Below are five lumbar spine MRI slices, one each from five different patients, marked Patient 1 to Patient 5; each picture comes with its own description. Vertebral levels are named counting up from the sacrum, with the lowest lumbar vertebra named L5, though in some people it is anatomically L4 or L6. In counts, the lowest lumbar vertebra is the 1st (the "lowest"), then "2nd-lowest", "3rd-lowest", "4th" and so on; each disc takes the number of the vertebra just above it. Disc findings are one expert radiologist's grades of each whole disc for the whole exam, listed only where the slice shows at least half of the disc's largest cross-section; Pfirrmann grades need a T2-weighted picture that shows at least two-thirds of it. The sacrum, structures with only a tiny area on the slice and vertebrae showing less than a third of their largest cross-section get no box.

Patient 1 of 5:
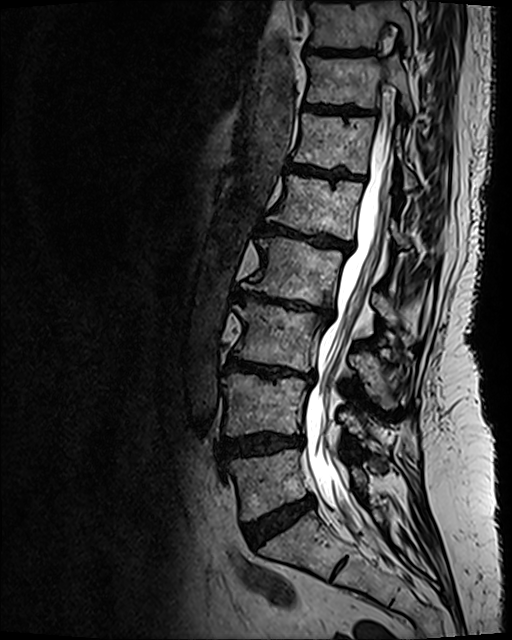 T2 SPACE (3D) sagittal MRI of the lumbar spine; Slice spacing 0.9 mm; Sagittal slice index 61
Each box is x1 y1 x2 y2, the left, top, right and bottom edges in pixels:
4th disc: 236 291 332 316 | 2nd-lowest vertebra: 222 373 381 447 | 3rd-lowest disc: 225 357 314 381 | 7th vertebra: 306 55 412 113 | lowest vertebra: 227 449 366 520 | 7th disc: 305 106 355 114 | 6th vertebra: 293 113 416 188 | 4th vertebra: 248 237 407 342 | 8th vertebra: 310 0 410 50 | lowest disc: 243 496 314 547 | 2nd-lowest disc: 221 433 303 459 | 5th disc: 258 223 352 251 | thecal sac / spinal canal: 305 87 396 548 | 8th disc: 306 48 369 55 | 3rd-lowest vertebra: 234 302 396 408 | 6th disc: 288 163 354 178 | 5th vertebra: 267 175 410 247

Degenerative findings by level:
• 7th disc: Pfirrmann grade 4, upper-endplate change, lower-endplate change
• lowest disc: Pfirrmann grade 4, disc bulging
• 6th disc: Pfirrmann grade 4, upper-endplate change, Modic type II, lower-endplate change
• 2nd-lowest disc: Pfirrmann grade 4, disc bulging, lower-endplate change, upper-endplate change
• 3rd-lowest disc: Pfirrmann grade 5, lower-endplate change, upper-endplate change, disc bulging, disc narrowing, Modic type II
• 5th disc: Pfirrmann grade 5, disc narrowing, disc bulging, Modic type II, upper-endplate change, lower-endplate change
• 8th disc: Pfirrmann grade 4, lower-endplate change, upper-endplate change
• 4th disc: upper-endplate change, lower-endplate change, disc narrowing, disc bulging, Modic type II

Patient 2 of 5:
Lumbar spine MR, T2 SPACE (3D), sagittal; Sex F; Sagittal slice index 58

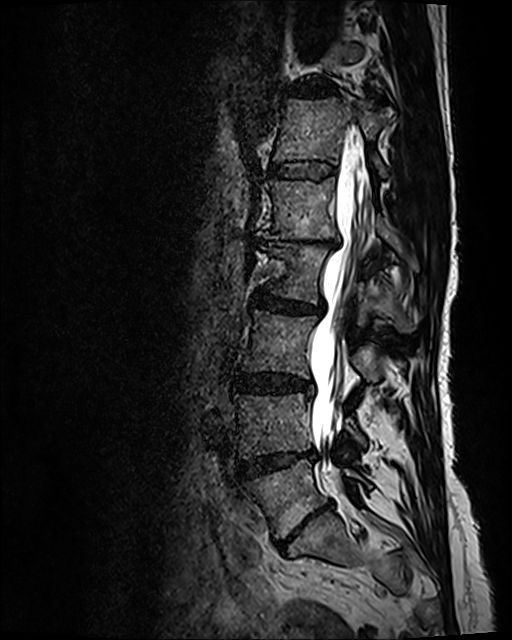 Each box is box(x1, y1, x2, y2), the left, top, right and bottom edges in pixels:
{"5th vertebra": "box(257, 177, 420, 270)", "lowest disc": "box(278, 506, 326, 548)", "2nd-lowest vertebra": "box(234, 393, 366, 459)", "3rd-lowest vertebra": "box(242, 310, 378, 382)", "7th disc": "box(284, 81, 338, 97)", "3rd-lowest disc": "box(234, 374, 312, 394)", "5th disc": "box(260, 236, 339, 248)", "6th disc": "box(268, 160, 335, 179)", "2nd-lowest disc": "box(237, 452, 314, 477)", "4th disc": "box(254, 290, 322, 313)", "6th vertebra": "box(274, 97, 393, 177)", "lowest vertebra": "box(241, 458, 371, 538)", "4th vertebra": "box(262, 246, 415, 332)", "spinal canal": "box(308, 130, 368, 473)"}

Degenerative findings by level:
  7th disc: disc narrowing, disc bulging
  4th disc: disc narrowing, disc bulging
  3rd-lowest disc: Pfirrmann grade 3, disc bulging
  2nd-lowest disc: Pfirrmann grade 4, disc narrowing, disc bulging, Modic type II
  6th disc: Pfirrmann grade 2
  5th disc: Pfirrmann grade 5, disc narrowing, Modic type II, upper-endplate change, disc bulging, lower-endplate change

Patient 3 of 5:
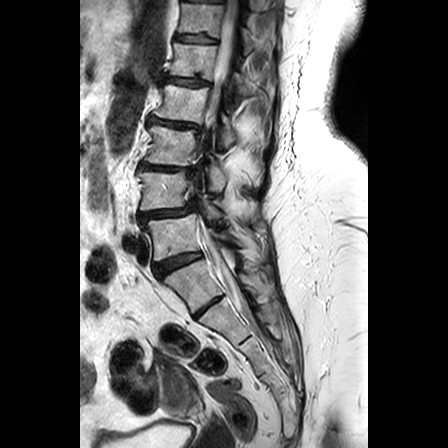

Patient sex: F | Lumbar spine MR, T2-weighted, sagittal

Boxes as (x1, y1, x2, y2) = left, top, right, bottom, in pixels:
T12/L1 at (174, 33, 219, 43).
L1 vertebra at (169, 42, 274, 95).
T12 at (178, 3, 275, 53).
L3 at (145, 124, 227, 191).
L1/L2 at (163, 75, 209, 84).
L2 vertebra at (153, 84, 268, 146).
L5 at (146, 213, 258, 261).
IVD L5/S1 at (152, 251, 201, 278).
IVD L2/L3 at (149, 116, 200, 129).
Spinal canal at (195, 0, 245, 309).
IVD L3/L4 at (140, 162, 190, 172).
L4/L5 at (139, 206, 192, 221).
L4 vertebra at (138, 170, 221, 217).

Radiological gradings:
- L1/L2: Pfirrmann grade 3, lower-endplate change, Modic type II, upper-endplate change, disc bulging, disc narrowing
- L3/L4: Modic type II, upper-endplate change, disc bulging, disc narrowing, lower-endplate change
- L4/L5: Pfirrmann grade 4, spondylolisthesis, disc narrowing, disc bulging
- T12/L1: Pfirrmann grade 3, upper-endplate change, Modic type II, lower-endplate change
- L2/L3: Pfirrmann grade 3, disc bulging, lower-endplate change, upper-endplate change, Modic type II, disc narrowing
- L5/S1: Pfirrmann grade 4, disc bulging

Patient 4 of 5:
MRI lumbar spine (T2 SPACE (3D)), sagittal plane | 512x640 px | Slice 100 of 120 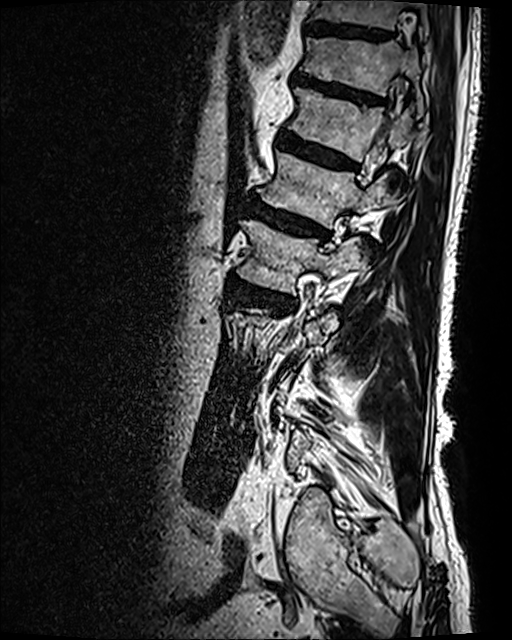
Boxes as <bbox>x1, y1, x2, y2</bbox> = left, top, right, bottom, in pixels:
Structures:
- T11 vertebra = <bbox>302, 38, 422, 111</bbox>
- T12/L1 = <bbox>277, 131, 358, 170</bbox>
- T10 = <bbox>309, 0, 429, 40</bbox>
- intervertebral disc L1/L2 = <bbox>250, 198, 329, 238</bbox>
- T12 = <bbox>288, 88, 425, 160</bbox>
- L1 = <bbox>257, 152, 391, 228</bbox>
- intervertebral disc T11/T12 = <bbox>293, 70, 383, 102</bbox>
- L2 vertebra = <bbox>237, 220, 364, 295</bbox>
- intervertebral disc T10/T11 = <bbox>306, 22, 392, 41</bbox>
- intervertebral disc L2/L3 = <bbox>228, 275, 294, 311</bbox>

Per-level radiological findings:
  L2/L3: Pfirrmann grade 4, disc bulging, disc narrowing, Modic type I, upper-endplate change, lower-endplate change
  T12/L1: Pfirrmann grade 4, lower-endplate change, disc bulging, upper-endplate change, Modic type II
  T11/T12: Pfirrmann grade 4, upper-endplate change, disc bulging, lower-endplate change
  T10/T11: Pfirrmann grade 3
  L1/L2: Pfirrmann grade 4, Modic type II, upper-endplate change, disc bulging, lower-endplate change

Patient 5 of 5:
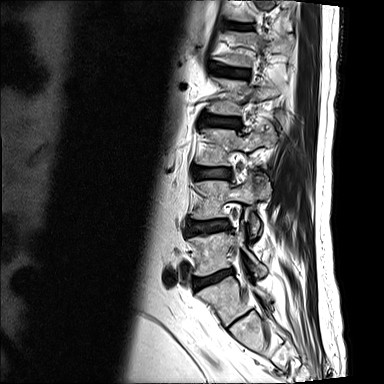 Field of view 280x280 mm, slice spacing 4.8 mm | 384x384 px | Sagittal slice index 11 | Sagittal T2-weighted lumbar spine MRI
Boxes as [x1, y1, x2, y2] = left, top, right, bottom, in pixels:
Structures:
* L2 (4th vertebra): [208, 78, 281, 115]
* L3 (3rd-lowest vertebra): [197, 124, 276, 165]
* IVD L4/L5 (2nd-lowest disc): [185, 220, 230, 234]
* L4 (2nd-lowest vertebra): [192, 179, 270, 235]
* L5/S1 (lowest disc): [194, 270, 233, 289]
* L1 (5th vertebra): [213, 32, 293, 67]
* IVD L1/L2 (5th disc): [214, 65, 249, 76]
* L3/L4 (3rd-lowest disc): [194, 169, 231, 178]
* L5 (lowest vertebra): [188, 223, 266, 275]
* IVD T12/L1 (6th disc): [231, 23, 252, 29]
* IVD L2/L3 (4th disc): [202, 116, 240, 128]

Degenerative findings by level:
• L5/S1 (lowest disc): upper-endplate change, Modic type II, disc herniation, lower-endplate change, disc narrowing
• L4/L5 (2nd-lowest disc): Pfirrmann grade 2, disc bulging, upper-endplate change, lower-endplate change
• L1/L2 (5th disc): Pfirrmann grade 2, Modic type II, lower-endplate change, upper-endplate change
• L2/L3 (4th disc): Pfirrmann grade 3, Modic type II, lower-endplate change, upper-endplate change, disc bulging
• L3/L4 (3rd-lowest disc): no Modic or endplate change, herniation, narrowing, bulging or spondylolisthesis recorded